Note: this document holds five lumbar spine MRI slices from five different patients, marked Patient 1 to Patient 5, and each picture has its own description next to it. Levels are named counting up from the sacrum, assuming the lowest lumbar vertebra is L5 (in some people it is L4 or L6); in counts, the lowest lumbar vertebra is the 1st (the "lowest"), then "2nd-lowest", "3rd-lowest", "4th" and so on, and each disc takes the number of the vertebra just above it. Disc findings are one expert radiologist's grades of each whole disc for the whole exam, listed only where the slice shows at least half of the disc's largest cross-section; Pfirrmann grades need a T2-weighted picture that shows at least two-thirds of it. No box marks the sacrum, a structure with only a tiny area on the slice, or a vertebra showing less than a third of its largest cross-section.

Patient 1 of 5:
Image 512x640. Sex M. Scanner: SIEMENS Avanto_fit (1.5T). T2 SPACE (3D) sagittal MRI of the lumbar spine.

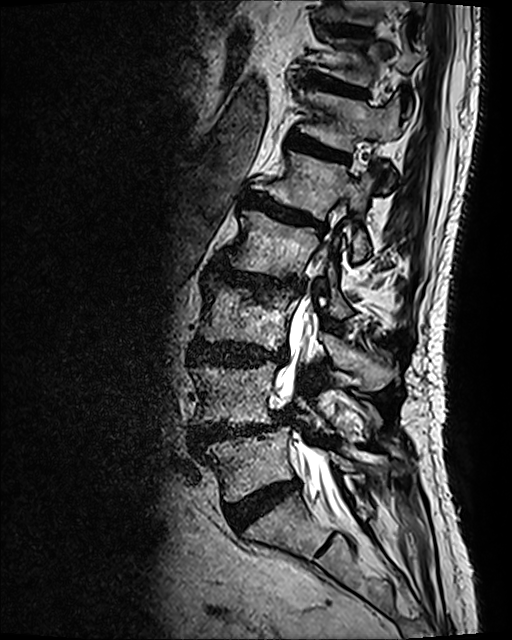 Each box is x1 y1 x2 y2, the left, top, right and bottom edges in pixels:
Structures:
* 6th disc at 289 133 345 160
* 2nd-lowest disc at 190 412 289 449
* 6th vertebra at 299 89 401 151
* 5th disc at 244 192 321 227
* 2nd-lowest vertebra at 191 361 381 428
* 5th vertebra at 269 152 375 260
* 7th disc at 301 71 364 95
* 7th vertebra at 319 33 423 86
* 4th disc at 215 262 301 290
* 3rd-lowest vertebra at 198 280 396 391
* lowest disc at 226 479 300 531
* 8th disc at 322 24 372 36
* spinal canal at 275 299 352 522
* lowest vertebra at 205 426 384 501
* 4th vertebra at 226 210 350 318
* 3rd-lowest disc at 189 339 286 365

Expert MSK radiologist gradings (per disc):
• lowest disc: Pfirrmann grade 4
• 3rd-lowest disc: Pfirrmann grade 4, disc bulging, upper-endplate change, lower-endplate change
• 7th disc: Pfirrmann grade 4, upper-endplate change, disc bulging, lower-endplate change
• 2nd-lowest disc: Pfirrmann grade 4, upper-endplate change, disc narrowing, spondylolisthesis, lower-endplate change, Modic type II, disc herniation, disc bulging
• 6th disc: Modic type II, upper-endplate change, lower-endplate change, disc bulging
• 5th disc: Pfirrmann grade 4, lower-endplate change, Modic type II, upper-endplate change, disc bulging
• 4th disc: Pfirrmann grade 4, upper-endplate change, Modic type I, lower-endplate change, disc bulging, disc narrowing

Patient 2 of 5:
Sex F | Sagittal T1-weighted lumbar spine MRI | Slice 13 of 15 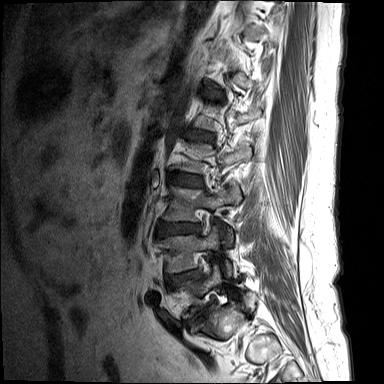 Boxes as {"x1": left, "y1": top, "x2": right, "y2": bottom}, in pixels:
L1/L2 at {"x1": 188, "y1": 130, "x2": 213, "y2": 140}, disc T12/L1 at {"x1": 209, "y1": 91, "x2": 220, "y2": 97}, L5 vertebra at {"x1": 179, "y1": 264, "x2": 252, "y2": 318}, L3 at {"x1": 164, "y1": 185, "x2": 241, "y2": 244}, L5/S1 at {"x1": 187, "y1": 307, "x2": 210, "y2": 325}, disc L2/L3 at {"x1": 169, "y1": 173, "x2": 203, "y2": 187}, L3/L4 at {"x1": 157, "y1": 223, "x2": 200, "y2": 235}, L4 vertebra at {"x1": 158, "y1": 226, "x2": 233, "y2": 276}, disc L4/L5 at {"x1": 167, "y1": 270, "x2": 201, "y2": 286}.

Degenerative findings by level:
• L3/L4: disc bulging
• L4/L5: lower-endplate change, disc narrowing, upper-endplate change, disc bulging, Modic type II
• L2/L3: disc bulging
• L1/L2: disc bulging

Patient 3 of 5:
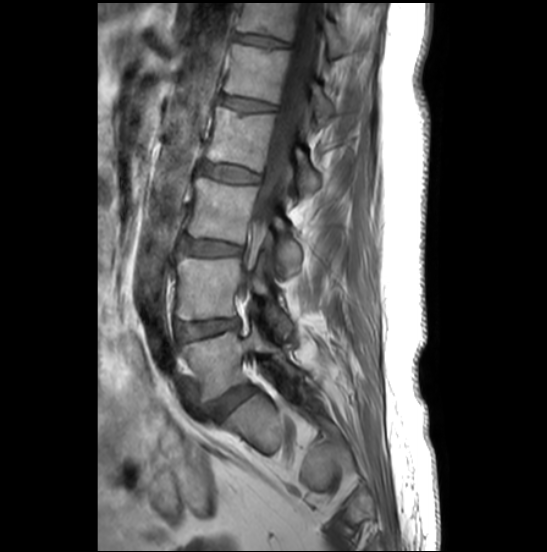 MRI lumbar spine (T1-weighted), sagittal plane
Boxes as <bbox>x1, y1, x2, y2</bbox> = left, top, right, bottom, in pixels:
Annotations:
• 4th vertebra: <bbox>206, 107, 319, 196</bbox>
• 6th vertebra: <bbox>237, 3, 378, 58</bbox>
• 2nd-lowest vertebra: <bbox>177, 255, 290, 335</bbox>
• lowest disc: <bbox>210, 386, 254, 419</bbox>
• lowest vertebra: <bbox>181, 325, 297, 399</bbox>
• 6th disc: <bbox>233, 34, 287, 47</bbox>
• 3rd-lowest disc: <bbox>180, 239, 241, 255</bbox>
• 4th disc: <bbox>200, 164, 257, 183</bbox>
• 3rd-lowest vertebra: <bbox>186, 178, 301, 275</bbox>
• 5th disc: <bbox>219, 96, 274, 114</bbox>
• 2nd-lowest disc: <bbox>176, 319, 238, 341</bbox>
• thecal sac / spinal canal: <bbox>254, 3, 320, 231</bbox>
• 5th vertebra: <bbox>224, 44, 336, 126</bbox>

Expert MSK radiologist gradings (per disc):
  2nd-lowest disc: disc bulging
  lowest disc: disc bulging
  6th disc: upper-endplate change, lower-endplate change
  5th disc: upper-endplate change
  3rd-lowest disc: disc bulging
  4th disc: no spondylolisthesis, narrowing, bulging, herniation, Modic or endplate change recorded

Patient 4 of 5:
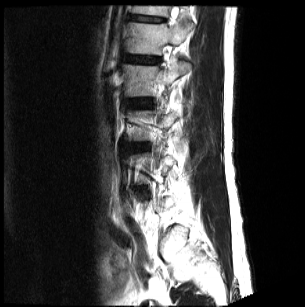 Field of view 264x266 mm; Slice 7 of 24; MRI lumbar spine (T2-weighted), sagittal plane

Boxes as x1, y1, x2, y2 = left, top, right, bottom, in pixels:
5th vertebra at 126, 19, 188, 54; 4th vertebra at 121, 57, 191, 95; 4th disc at 129, 99, 150, 107; 6th disc at 131, 15, 164, 21; 5th disc at 127, 56, 158, 62; 6th vertebra at 132, 6, 168, 15.

Expert MSK radiologist gradings (per disc):
• 5th disc: Pfirrmann grade 2, upper-endplate change, Modic type II, lower-endplate change
• 6th disc: Pfirrmann grade 3, upper-endplate change, lower-endplate change

Patient 5 of 5:
Lumbar spine MR, T2 SPACE (3D), sagittal.

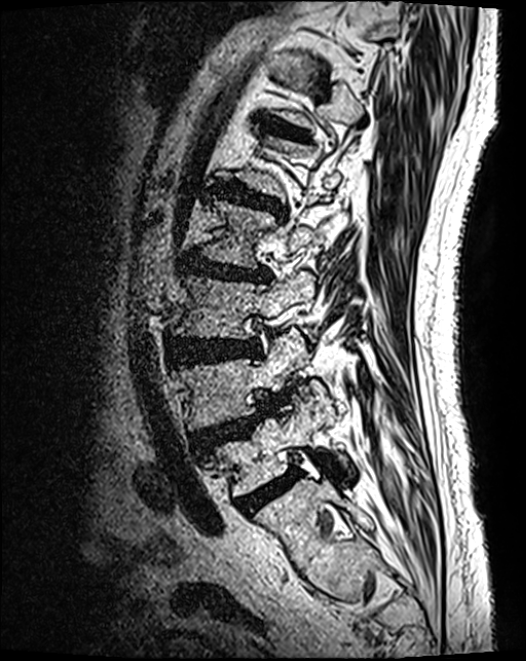

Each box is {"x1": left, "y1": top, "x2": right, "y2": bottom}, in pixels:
{"lowest disc": {"x1": 236, "y1": 471, "x2": 299, "y2": 514}, "4th disc": {"x1": 183, "y1": 257, "x2": 268, "y2": 284}, "6th disc": {"x1": 268, "y1": 123, "x2": 305, "y2": 139}, "3rd-lowest disc": {"x1": 169, "y1": 340, "x2": 259, "y2": 364}, "lowest vertebra": {"x1": 210, "y1": 406, "x2": 344, "y2": 496}, "2nd-lowest vertebra": {"x1": 174, "y1": 344, "x2": 298, "y2": 431}, "3rd-lowest vertebra": {"x1": 171, "y1": 271, "x2": 314, "y2": 341}, "5th disc": {"x1": 217, "y1": 184, "x2": 284, "y2": 214}, "2nd-lowest disc": {"x1": 192, "y1": 406, "x2": 270, "y2": 453}, "4th vertebra": {"x1": 201, "y1": 200, "x2": 314, "y2": 269}}

Radiological gradings:
  3rd-lowest disc: Pfirrmann grade 4, disc bulging
  2nd-lowest disc: disc herniation, spondylolisthesis, upper-endplate change
  4th disc: Pfirrmann grade 4, lower-endplate change, disc narrowing, upper-endplate change, disc bulging
  5th disc: Pfirrmann grade 4, disc bulging, lower-endplate change, upper-endplate change
  lowest disc: Pfirrmann grade 4